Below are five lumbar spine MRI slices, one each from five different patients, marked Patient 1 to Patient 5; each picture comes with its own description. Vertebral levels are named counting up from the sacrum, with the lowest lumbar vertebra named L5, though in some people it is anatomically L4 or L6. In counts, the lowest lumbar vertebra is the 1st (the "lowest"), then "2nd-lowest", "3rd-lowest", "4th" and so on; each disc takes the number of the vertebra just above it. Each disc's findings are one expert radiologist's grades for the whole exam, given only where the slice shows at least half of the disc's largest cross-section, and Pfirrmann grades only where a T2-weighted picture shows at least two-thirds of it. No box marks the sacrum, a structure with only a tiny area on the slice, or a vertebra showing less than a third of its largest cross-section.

Patient 1 of 5:
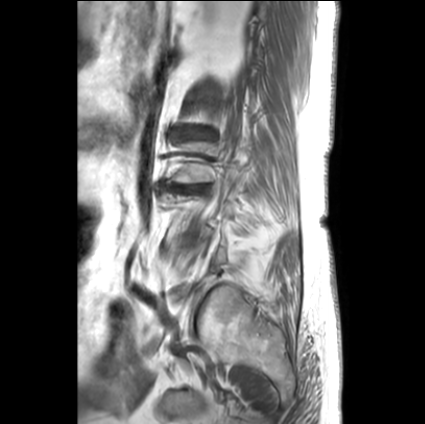 Sagittal T1-weighted lumbar spine MRI, Sagittal slice index 3, Slice spacing 3.3 mm, Patient sex: F

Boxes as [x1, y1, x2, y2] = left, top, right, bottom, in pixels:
intervertebral disc L3/L4: [171, 186, 201, 191]
intervertebral disc L2/L3: [174, 127, 215, 140]

Degenerative findings by level:
• L2/L3: upper-endplate change, disc bulging, disc narrowing, lower-endplate change

Patient 2 of 5:
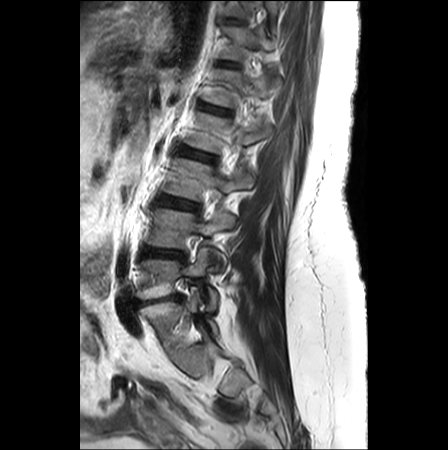 Sex F | T2-weighted sagittal MRI of the lumbar spine | Image 448x450
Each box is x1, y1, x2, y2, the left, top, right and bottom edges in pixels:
Segmented structures:
• 3rd-lowest disc: 158, 195, 197, 210
• 7th vertebra: 225, 1, 277, 18
• 4th vertebra: 185, 112, 271, 153
• 5th disc: 201, 105, 228, 114
• 4th disc: 180, 147, 214, 160
• 6th disc: 221, 62, 236, 67
• 3rd-lowest vertebra: 163, 158, 254, 201
• lowest disc: 136, 293, 182, 305
• 6th vertebra: 219, 26, 274, 60
• 2nd-lowest disc: 142, 247, 184, 259
• 5th vertebra: 202, 69, 280, 107
• 2nd-lowest vertebra: 147, 208, 235, 272
• lowest vertebra: 136, 248, 218, 310

Expert MSK radiologist gradings (per disc):
• 2nd-lowest disc: disc bulging, disc herniation
• 3rd-lowest disc: Modic type II, disc bulging
• lowest disc: Modic type II, spondylolisthesis, disc narrowing, disc bulging

Patient 3 of 5:
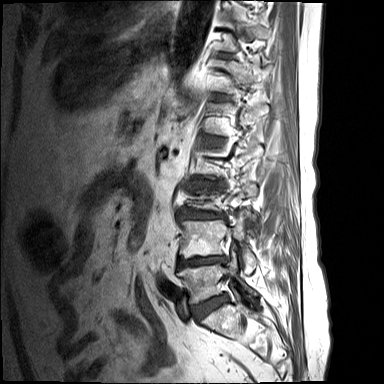

Sagittal T1-weighted lumbar spine MRI

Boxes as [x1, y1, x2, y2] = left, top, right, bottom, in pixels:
Disc L4/L5 at [178, 256, 226, 268], disc L5/S1 at [192, 293, 227, 319], disc L1/L2 at [207, 136, 223, 145], L5 at [177, 250, 256, 303], L4 at [179, 215, 256, 274], T12 vertebra at [212, 55, 269, 93], L3/L4 at [178, 208, 226, 219], disc T12/L1 at [210, 94, 230, 100].

Degenerative findings by level:
- L5/S1: lower-endplate change, disc bulging, upper-endplate change
- L4/L5: disc bulging, lower-endplate change, disc narrowing, upper-endplate change
- L3/L4: disc narrowing, lower-endplate change, disc bulging, upper-endplate change

Patient 4 of 5:
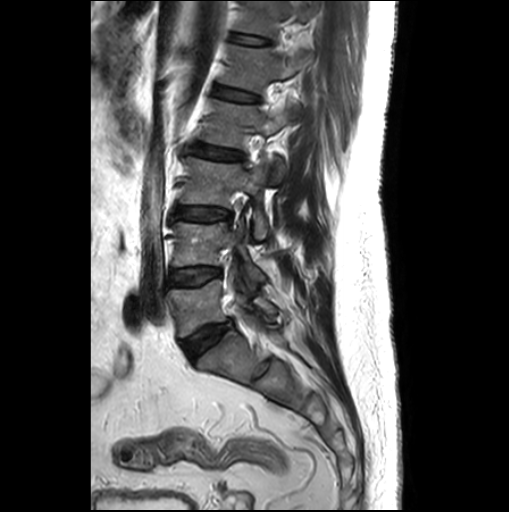
Patient sex: M | Image 509x512 | T2-weighted sagittal MRI of the lumbar spine
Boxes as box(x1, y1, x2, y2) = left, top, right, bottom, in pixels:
T12 (6th vertebra) = box(238, 1, 312, 35).
IVD L2/L3 (4th disc) = box(190, 144, 243, 160).
L1/L2 (5th disc) = box(215, 85, 258, 101).
IVD L4/L5 (2nd-lowest disc) = box(168, 267, 219, 284).
L2 (4th vertebra) = box(200, 100, 291, 184).
L3 (3rd-lowest vertebra) = box(181, 157, 268, 239).
L1 (5th vertebra) = box(220, 45, 312, 91).
L5 (lowest vertebra) = box(169, 279, 275, 336).
IVD L3/L4 (3rd-lowest disc) = box(174, 206, 231, 221).
L5/S1 (lowest disc) = box(183, 320, 232, 359).
IVD T12/L1 (6th disc) = box(233, 34, 266, 44).
L4 (2nd-lowest vertebra) = box(173, 222, 265, 288).

Radiological gradings:
- L4/L5 (2nd-lowest disc): Pfirrmann grade 1
- L1/L2 (5th disc): Pfirrmann grade 1, lower-endplate change, upper-endplate change
- L2/L3 (4th disc): Pfirrmann grade 1, disc bulging, lower-endplate change, upper-endplate change
- L5/S1 (lowest disc): Pfirrmann grade 3, disc bulging
- L3/L4 (3rd-lowest disc): Pfirrmann grade 1
- T12/L1 (6th disc): no spondylolisthesis, narrowing, bulging, herniation, Modic or endplate change recorded

Patient 5 of 5:
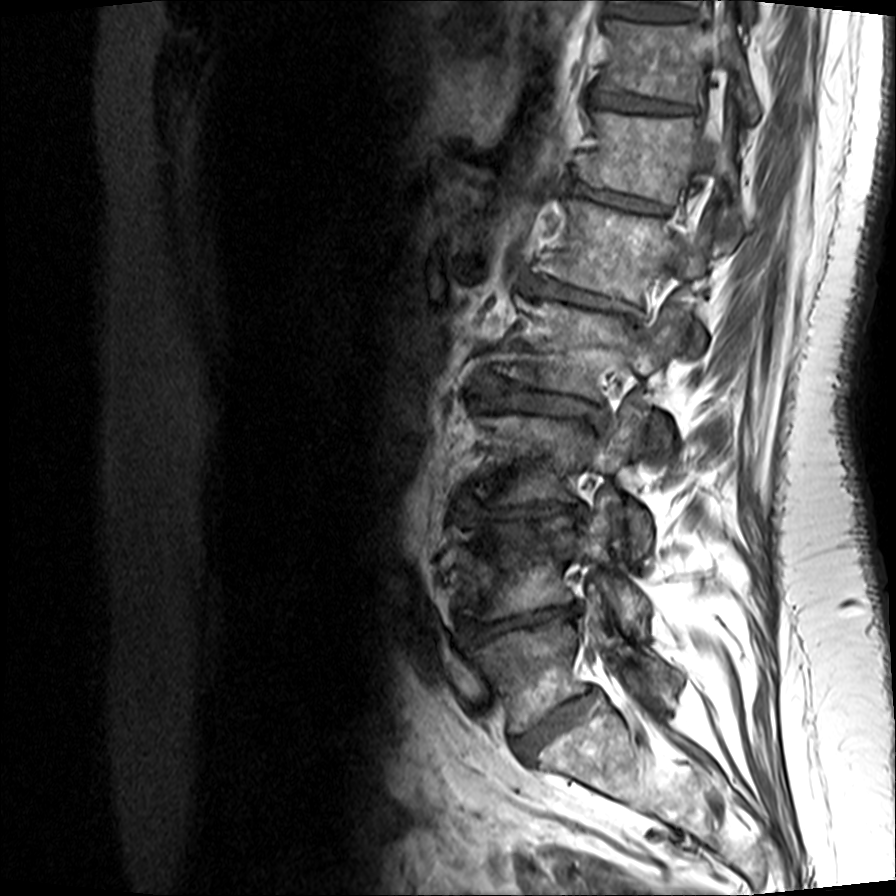 896x896 px. Patient sex: F. T1-weighted sagittal MRI of the lumbar spine.
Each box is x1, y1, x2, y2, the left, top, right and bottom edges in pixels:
• 6th disc: 570, 183, 668, 213
• 2nd-lowest disc: 459, 606, 579, 646
• 3rd-lowest vertebra: 475, 406, 652, 555
• 6th vertebra: 580, 110, 747, 250
• 2nd-lowest vertebra: 451, 508, 650, 628
• lowest vertebra: 469, 608, 683, 732
• 7th vertebra: 601, 18, 760, 119
• lowest disc: 515, 695, 591, 757
• 5th disc: 522, 275, 631, 311
• 5th vertebra: 534, 197, 710, 351
• 3rd-lowest disc: 453, 496, 587, 523
• 4th vertebra: 496, 295, 681, 451
• 4th disc: 478, 375, 604, 423
• thecal sac / spinal canal: 665, 26, 727, 280
• 7th disc: 592, 87, 695, 113

Radiological gradings:
- 5th disc: lower-endplate change, upper-endplate change, disc narrowing, Modic type II, disc bulging
- lowest disc: upper-endplate change, disc bulging, Modic type II, disc narrowing, lower-endplate change
- 7th disc: Modic type II, lower-endplate change, upper-endplate change, disc narrowing
- 6th disc: disc narrowing, Modic type II, upper-endplate change, lower-endplate change, disc bulging
- 3rd-lowest disc: disc narrowing, upper-endplate change, Modic type II, lower-endplate change, disc herniation
- 4th disc: lower-endplate change, upper-endplate change, Modic type II, disc narrowing, disc bulging
- 2nd-lowest disc: lower-endplate change, Modic type II, disc herniation, disc narrowing, upper-endplate change